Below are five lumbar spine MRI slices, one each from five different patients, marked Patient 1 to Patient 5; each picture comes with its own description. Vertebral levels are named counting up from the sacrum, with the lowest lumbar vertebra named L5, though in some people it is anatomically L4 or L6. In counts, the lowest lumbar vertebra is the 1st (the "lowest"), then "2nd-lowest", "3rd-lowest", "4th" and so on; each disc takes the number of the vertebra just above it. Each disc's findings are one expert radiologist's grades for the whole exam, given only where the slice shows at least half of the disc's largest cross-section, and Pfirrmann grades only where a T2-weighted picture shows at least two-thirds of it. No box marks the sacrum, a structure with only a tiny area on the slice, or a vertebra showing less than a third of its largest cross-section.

Patient 1 of 5:
Sagittal T2-weighted lumbar spine MRI. 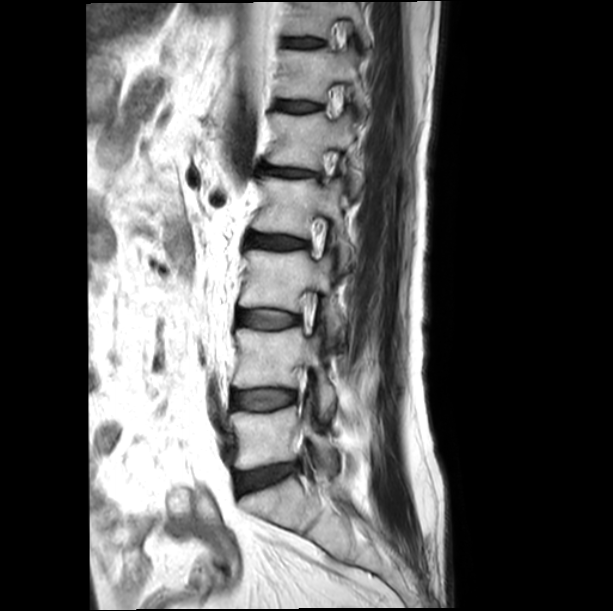

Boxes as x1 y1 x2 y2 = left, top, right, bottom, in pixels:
L3 (3rd-lowest vertebra) at 239 250 344 336.
L1 (5th vertebra) at 267 112 365 194.
Intervertebral disc L5/S1 (lowest disc) at 238 465 297 491.
L2/L3 (4th disc) at 246 234 307 249.
Intervertebral disc T12/L1 (6th disc) at 277 101 319 112.
Intervertebral disc L4/L5 (2nd-lowest disc) at 233 390 295 409.
L2 (4th vertebra) at 252 177 350 264.
L5 (lowest vertebra) at 231 406 336 469.
Intervertebral disc T11/T12 (7th disc) at 284 38 323 47.
Intervertebral disc L3/L4 (3rd-lowest disc) at 239 310 299 328.
L1/L2 (5th disc) at 261 165 319 177.
T11 (7th vertebra) at 283 2 370 45.
L4 (2nd-lowest vertebra) at 233 328 336 416.
T12 (6th vertebra) at 277 47 366 111.

Degenerative findings by level:
- L4/L5 (2nd-lowest disc): Pfirrmann grade 1
- L2/L3 (4th disc): Pfirrmann grade 3
- L1/L2 (5th disc): disc narrowing, disc bulging
- L5/S1 (lowest disc): disc bulging
- L3/L4 (3rd-lowest disc): Pfirrmann grade 1
- T12/L1 (6th disc), T11/T12 (7th disc): no herniation, bulging, narrowing, spondylolisthesis, endplate or Modic change recorded

Patient 2 of 5:
Slice 17/17, Lumbar spine MR, T2-weighted, sagittal

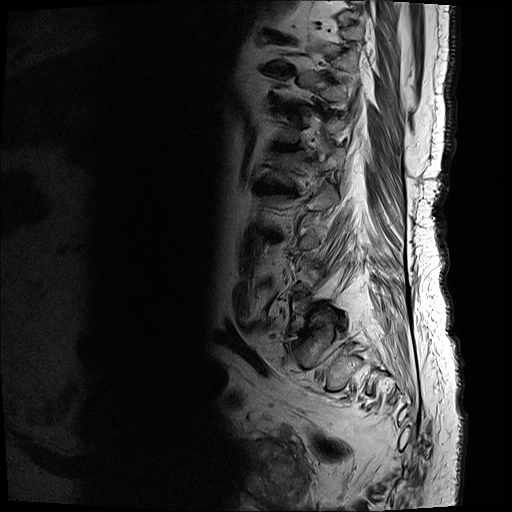
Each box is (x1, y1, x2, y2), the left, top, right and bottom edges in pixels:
T11/T12 at (279, 103, 298, 113).
Disc T12/L1 at (275, 141, 299, 151).
Disc L2/L3 at (268, 233, 280, 239).
Disc L1/L2 at (255, 182, 294, 195).
L1 vertebra at (264, 146, 346, 187).
Disc T10/T11 at (264, 66, 294, 73).

Per-level radiological findings:
• L1/L2: disc bulging, disc narrowing, upper-endplate change, lower-endplate change, Modic type II

Patient 3 of 5:
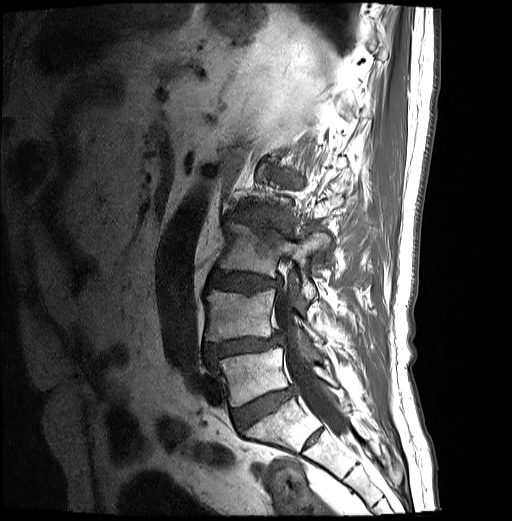 Lumbar spine MR, T1-weighted, sagittal; Sex M; 512x521 px
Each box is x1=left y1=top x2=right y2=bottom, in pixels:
Spinal canal at x1=275 y1=285 x2=347 y2=436, disc L5/S1 at x1=232 y1=388 x2=291 y2=429, L3 vertebra at x1=217 y1=224 x2=328 y2=300, L5 vertebra at x1=218 y1=348 x2=337 y2=406, L4 vertebra at x1=205 y1=290 x2=323 y2=344, L4/L5 at x1=205 y1=335 x2=282 y2=361, L2/L3 at x1=230 y1=216 x2=289 y2=236, disc L3/L4 at x1=208 y1=273 x2=279 y2=293.

Expert MSK radiologist gradings (per disc):
• L4/L5: disc narrowing, upper-endplate change, lower-endplate change, disc herniation, spondylolisthesis, Modic type II, disc bulging
• L3/L4: lower-endplate change, disc bulging, upper-endplate change
• L5/S1: no spondylolisthesis, narrowing, bulging, herniation, Modic or endplate change recorded

Patient 4 of 5:
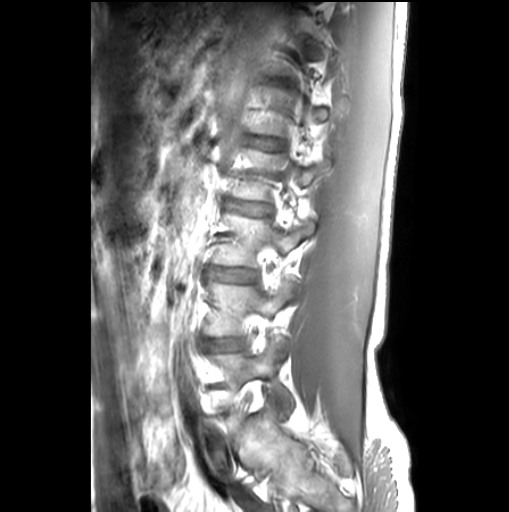 Lumbar spine MR, T1-weighted, sagittal | Field of view 280x281 mm
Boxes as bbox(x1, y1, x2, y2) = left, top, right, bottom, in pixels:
6th disc: bbox(269, 79, 286, 84)
3rd-lowest disc: bbox(209, 267, 257, 281)
lowest vertebra: bbox(211, 340, 291, 414)
4th vertebra: bbox(231, 149, 323, 201)
3rd-lowest vertebra: bbox(211, 211, 314, 267)
5th disc: bbox(251, 139, 280, 148)
4th disc: bbox(225, 200, 264, 215)
2nd-lowest vertebra: bbox(204, 281, 293, 342)
2nd-lowest disc: bbox(213, 339, 241, 350)

Degenerative findings by level:
• 3rd-lowest disc, 4th disc: no herniation, bulging, narrowing, spondylolisthesis, endplate or Modic change recorded

Patient 5 of 5:
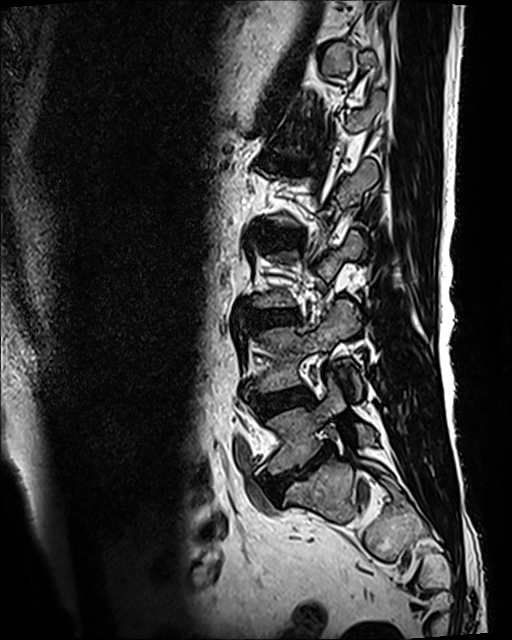 Patient sex: M | Slice 35/120 | Field of view 240x300 mm, slice spacing 0.9 mm | T2 SPACE (3D) sagittal MRI of the lumbar spine
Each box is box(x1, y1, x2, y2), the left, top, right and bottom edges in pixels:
L4 vertebra at box(252, 299, 362, 398); L3/L4 at box(245, 309, 298, 328); disc L4/L5 at box(253, 388, 310, 415); L5 at box(268, 374, 376, 474); L5/S1 at box(267, 445, 334, 495); L1/L2 at box(273, 164, 305, 169).

Radiological gradings:
• L4/L5: Modic type II